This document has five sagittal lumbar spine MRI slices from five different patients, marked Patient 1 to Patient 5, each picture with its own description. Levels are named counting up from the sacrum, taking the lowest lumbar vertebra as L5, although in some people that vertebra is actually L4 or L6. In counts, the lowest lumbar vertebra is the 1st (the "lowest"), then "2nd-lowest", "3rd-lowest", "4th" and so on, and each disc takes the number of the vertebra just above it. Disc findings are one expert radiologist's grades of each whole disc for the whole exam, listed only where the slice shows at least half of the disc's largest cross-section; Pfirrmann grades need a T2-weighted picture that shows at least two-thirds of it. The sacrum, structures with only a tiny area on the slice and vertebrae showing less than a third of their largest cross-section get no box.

Patient 1 of 5:
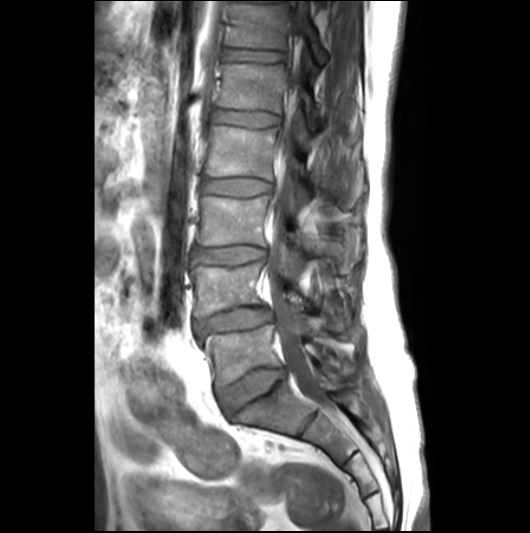 530x533 px; T1-weighted sagittal MRI of the lumbar spine; Patient sex: M; Slice 11 of 26
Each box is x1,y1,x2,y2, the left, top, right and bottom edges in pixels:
L4 (2nd-lowest vertebra): 191,263,350,330.
L4/L5 (2nd-lowest disc): 195,308,273,336.
L2 (4th vertebra): 206,126,310,203.
L3 (3rd-lowest vertebra): 197,196,359,274.
Disc L3/L4 (3rd-lowest disc): 194,246,265,263.
L2/L3 (4th disc): 202,178,270,196.
Disc T12/L1 (6th disc): 226,49,283,63.
L1 (5th vertebra): 217,63,319,134.
Disc L5/S1 (lowest disc): 217,367,285,415.
Thecal sac / spinal canal: 267,19,326,407.
L5 (lowest vertebra): 202,325,332,385.
Disc L1/L2 (5th disc): 214,110,278,128.
T12 (6th vertebra): 229,4,326,64.

Expert MSK radiologist gradings (per disc):
- L3/L4 (3rd-lowest disc): disc bulging, upper-endplate change
- L4/L5 (2nd-lowest disc): disc herniation, disc narrowing, Modic type II, disc bulging
- L5/S1 (lowest disc): disc bulging
- T12/L1 (6th disc): lower-endplate change
- L1/L2 (5th disc), L2/L3 (4th disc): no Modic or endplate change, herniation, narrowing, bulging or spondylolisthesis recorded

Patient 2 of 5:
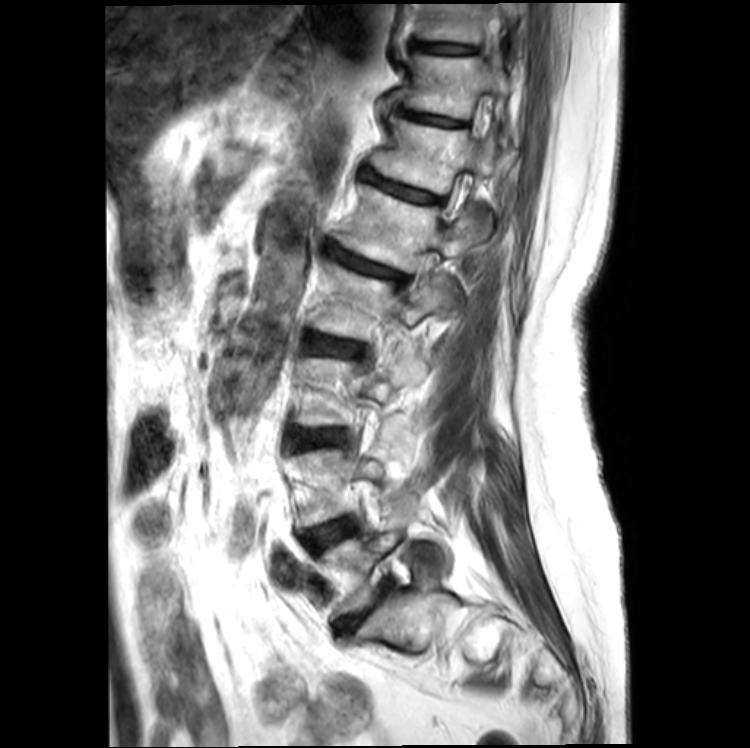 MRI lumbar spine (T2-weighted), sagittal plane; Sex F

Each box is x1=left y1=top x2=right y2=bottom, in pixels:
Segmented structures:
* L1 vertebra — x1=342 y1=184 x2=478 y2=271
* L5 — x1=320 y1=526 x2=402 y2=622
* L1/L2 — x1=329 y1=245 x2=408 y2=281
* intervertebral disc L4/L5 — x1=304 y1=517 x2=359 y2=550
* T12 — x1=371 y1=119 x2=494 y2=237
* T10 — x1=418 y1=3 x2=518 y2=42
* T12/L1 — x1=364 y1=171 x2=443 y2=202
* L2 vertebra — x1=310 y1=261 x2=461 y2=340
* intervertebral disc T11/T12 — x1=399 y1=109 x2=465 y2=125
* L2/L3 — x1=305 y1=332 x2=364 y2=356
* T11 vertebra — x1=402 y1=53 x2=511 y2=118
* L5/S1 — x1=341 y1=591 x2=388 y2=635
* spinal canal — x1=444 y1=221 x2=452 y2=234
* L3 vertebra — x1=294 y1=357 x2=426 y2=425
* L3/L4 — x1=289 y1=428 x2=344 y2=447
* intervertebral disc T10/T11 — x1=414 y1=42 x2=477 y2=53

Degenerative findings by level:
- T11/T12: Pfirrmann grade 4, disc narrowing, Modic type II, lower-endplate change, upper-endplate change
- L1/L2: Pfirrmann grade 4, disc narrowing, upper-endplate change, spondylolisthesis, Modic type II, lower-endplate change, disc bulging
- L4/L5: Modic type II, disc bulging
- L2/L3: disc bulging, Modic type II
- T10/T11: Pfirrmann grade 2, lower-endplate change
- L3/L4: Modic type II, disc narrowing, disc bulging
- T12/L1: Pfirrmann grade 4, lower-endplate change, upper-endplate change, disc narrowing, Modic type II

Patient 3 of 5:
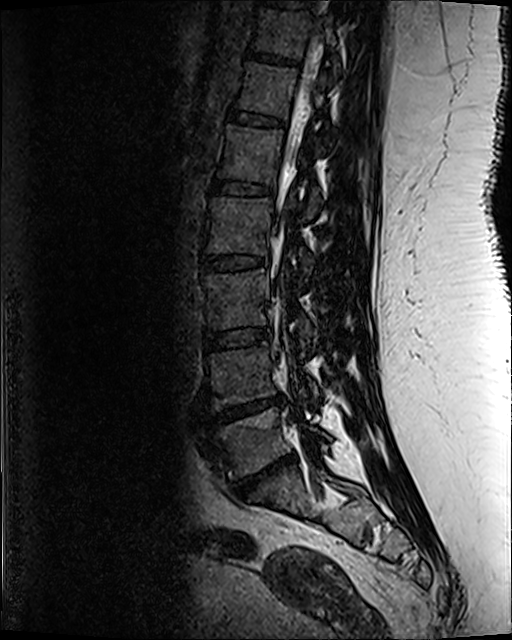 Slice 49/120. Sagittal T2 SPACE (3D) lumbar spine MRI. Slice spacing 0.9 mm. 512x640 px.

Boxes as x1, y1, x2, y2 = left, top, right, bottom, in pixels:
8th disc — 265, 0, 311, 7.
6th disc — 229, 112, 283, 127.
Spinal canal — 275, 38, 321, 365.
4th vertebra — 208, 199, 312, 280.
5th vertebra — 219, 126, 319, 217.
Lowest disc — 232, 455, 294, 497.
3rd-lowest disc — 206, 329, 269, 350.
6th vertebra — 238, 63, 326, 116.
3rd-lowest vertebra — 207, 268, 315, 348.
2nd-lowest vertebra — 210, 338, 318, 407.
2nd-lowest disc — 214, 399, 281, 424.
5th disc — 212, 180, 271, 194.
Lowest vertebra — 212, 408, 331, 477.
7th vertebra — 254, 9, 339, 73.
7th disc — 246, 51, 296, 65.
4th disc — 203, 255, 266, 271.

Expert MSK radiologist gradings (per disc):
• 5th disc: Pfirrmann grade 3, lower-endplate change
• 7th disc: lower-endplate change
• lowest disc: Pfirrmann grade 5, lower-endplate change, disc herniation, upper-endplate change, disc narrowing, Modic type II
• 4th disc: Pfirrmann grade 3, lower-endplate change, upper-endplate change
• 6th disc: Pfirrmann grade 3
• 2nd-lowest disc: disc herniation, upper-endplate change, Modic type II, lower-endplate change, disc narrowing
• 3rd-lowest disc: Pfirrmann grade 3

Patient 4 of 5:
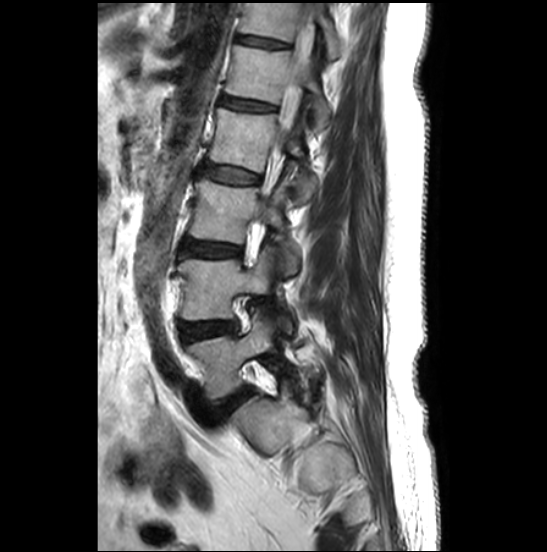 Sagittal slice index 18, Sex F, Field of view 280x282 mm, Lumbar spine MR, T2-weighted, sagittal
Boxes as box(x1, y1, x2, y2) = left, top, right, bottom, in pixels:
Lowest disc at box(219, 388, 249, 416).
5th vertebra at box(225, 44, 330, 130).
Thecal sac / spinal canal at box(274, 5, 313, 158).
2nd-lowest disc at box(181, 322, 232, 340).
6th vertebra at box(239, 3, 340, 59).
5th disc at box(221, 96, 275, 110).
4th disc at box(202, 165, 258, 183).
3rd-lowest vertebra at box(189, 179, 298, 276).
3rd-lowest disc at box(186, 240, 241, 256).
6th disc at box(237, 35, 289, 47).
Lowest vertebra at box(187, 312, 297, 398).
4th vertebra at box(209, 108, 317, 201).
2nd-lowest vertebra at box(178, 247, 291, 332).

Per-level radiological findings:
  3rd-lowest disc: Pfirrmann grade 4, disc bulging
  6th disc: Pfirrmann grade 2, upper-endplate change, lower-endplate change
  4th disc: Pfirrmann grade 2
  5th disc: Pfirrmann grade 2, upper-endplate change
  2nd-lowest disc: Pfirrmann grade 3, disc bulging

Patient 5 of 5:
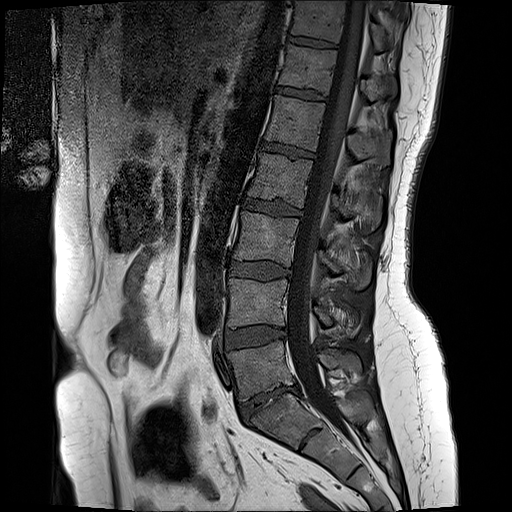
Slice 8 of 17 | Patient sex: F | Lumbar spine MR, T1-weighted, sagittal

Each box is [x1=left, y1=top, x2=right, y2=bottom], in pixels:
{"5th disc": "[x1=262, y1=143, x2=313, y2=158]", "2nd-lowest vertebra": "[x1=228, y1=280, x2=357, y2=338]", "lowest vertebra": "[x1=229, y1=342, x2=361, y2=399]", "2nd-lowest disc": "[x1=225, y1=328, x2=285, y2=350]", "6th vertebra": "[x1=279, y1=46, x2=397, y2=101]", "6th disc": "[x1=277, y1=87, x2=325, y2=102]", "3rd-lowest disc": "[x1=230, y1=263, x2=290, y2=279]", "lowest disc": "[x1=238, y1=388, x2=301, y2=422]", "4th disc": "[x1=243, y1=199, x2=301, y2=216]", "7th vertebra": "[x1=292, y1=1, x2=385, y2=50]", "3rd-lowest vertebra": "[x1=233, y1=214, x2=370, y2=290]", "thecal sac / spinal canal": "[x1=286, y1=1, x2=366, y2=441]", "4th vertebra": "[x1=247, y1=154, x2=381, y2=232]", "5th vertebra": "[x1=266, y1=97, x2=392, y2=168]", "7th disc": "[x1=288, y1=39, x2=334, y2=49]"}

Degenerative findings by level:
- 3rd-lowest disc: disc bulging
- lowest disc: disc narrowing, disc herniation, disc bulging
- 5th disc: upper-endplate change, lower-endplate change
- 6th disc: lower-endplate change, upper-endplate change
- 2nd-lowest disc: disc bulging
- 4th disc: lower-endplate change, disc bulging, upper-endplate change
- 7th disc: no herniation, bulging, narrowing, spondylolisthesis, endplate or Modic change recorded